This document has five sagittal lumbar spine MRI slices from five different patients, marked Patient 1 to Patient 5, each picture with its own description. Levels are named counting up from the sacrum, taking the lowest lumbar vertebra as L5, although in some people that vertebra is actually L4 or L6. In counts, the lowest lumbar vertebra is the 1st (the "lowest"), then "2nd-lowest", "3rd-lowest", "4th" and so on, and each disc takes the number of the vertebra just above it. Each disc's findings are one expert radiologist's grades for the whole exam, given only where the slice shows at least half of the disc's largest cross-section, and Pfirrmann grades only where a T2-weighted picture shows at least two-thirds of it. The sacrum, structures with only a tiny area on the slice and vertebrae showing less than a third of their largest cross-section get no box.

Patient 1 of 5:
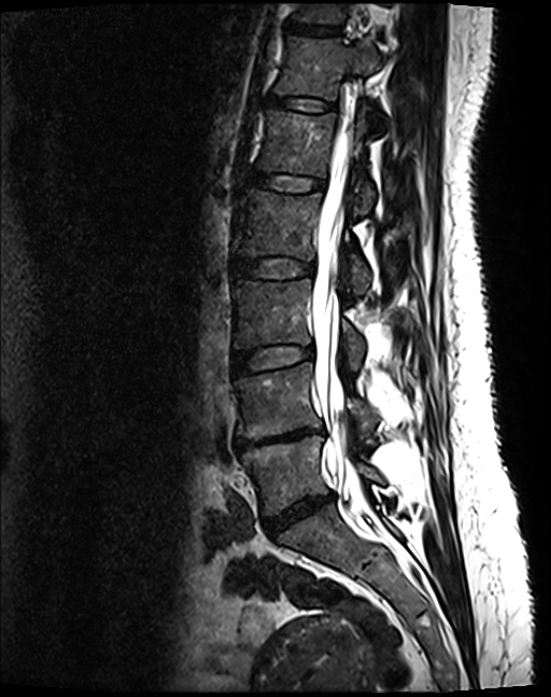
T2 SPACE (3D) sagittal MRI of the lumbar spine | 551x697 px

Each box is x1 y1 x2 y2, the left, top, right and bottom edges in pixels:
{"L5 vertebra": "241 435 380 516", "L2 vertebra": "236 189 369 294", "L4/L5": "235 428 323 449", "disc L5/S1": "264 493 334 534", "T11": "294 3 347 24", "L4": "235 364 375 439", "disc L2/L3": "233 258 313 278", "L1/L2": "249 173 323 190", "thecal sac / spinal canal": "313 121 359 488", "disc T11/T12": "286 23 339 34", "L3 vertebra": "233 280 364 370", "disc T12/L1": "267 96 333 110", "disc L3/L4": "233 346 313 373", "T12 vertebra": "274 36 383 126", "L1": "258 110 375 213"}

Per-level radiological findings:
  L3/L4: Pfirrmann grade 2
  L4/L5: Pfirrmann grade 5, disc bulging, lower-endplate change, Modic type II, disc narrowing, upper-endplate change
  L2/L3: Pfirrmann grade 2
  T12/L1: Pfirrmann grade 2
  L1/L2: Pfirrmann grade 2
  L5/S1: Pfirrmann grade 4, disc narrowing, disc bulging
  T11/T12: no herniation, bulging, narrowing, spondylolisthesis, endplate or Modic change recorded

Patient 2 of 5:
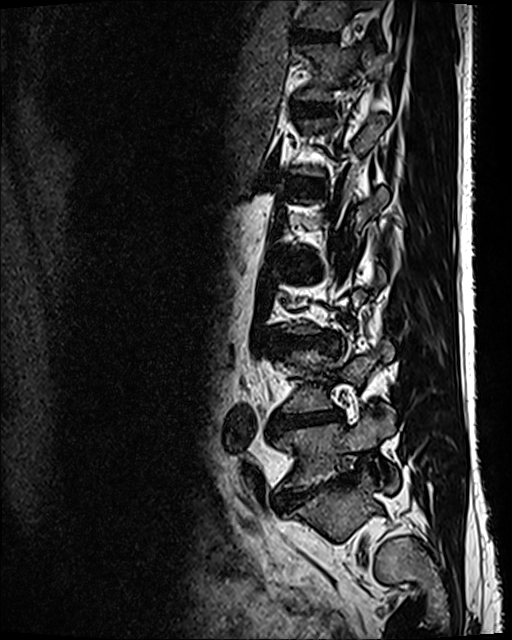

Sex M, MRI lumbar spine (T2 SPACE (3D)), sagittal plane, Slice 34/120

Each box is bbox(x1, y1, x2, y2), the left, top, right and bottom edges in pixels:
T12: bbox(297, 43, 388, 101)
T11 vertebra: bbox(298, 0, 386, 31)
T12/L1: bbox(300, 104, 330, 114)
L1/L2: bbox(294, 178, 306, 184)
intervertebral disc L5/S1: bbox(275, 479, 342, 507)
intervertebral disc L4/L5: bbox(277, 410, 343, 428)
intervertebral disc T11/T12: bbox(294, 29, 336, 42)
intervertebral disc L3/L4: bbox(280, 337, 320, 346)
L5: bbox(274, 413, 399, 491)
L4: bbox(283, 339, 393, 412)

Expert MSK radiologist gradings (per disc):
  L4/L5: disc bulging, Modic type II, disc narrowing, lower-endplate change
  T11/T12: no Modic or endplate change, herniation, narrowing, bulging or spondylolisthesis recorded

Patient 3 of 5:
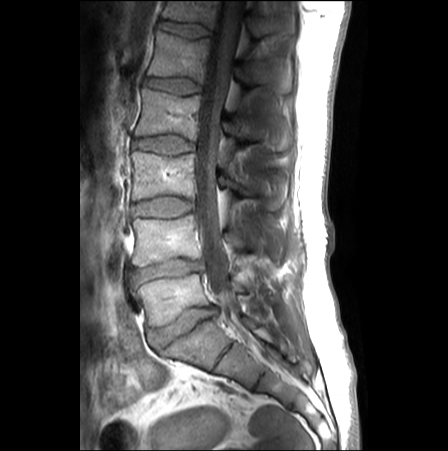

Field of view 280x282 mm, slice spacing 3.3 mm. Slice 13/27. Image 448x451. MRI lumbar spine (T1-weighted), sagittal plane.

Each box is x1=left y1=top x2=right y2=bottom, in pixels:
L5: x1=138 y1=274 x2=247 y2=326.
IVD L5/S1: x1=149 y1=306 x2=216 y2=347.
L2/L3: x1=133 y1=134 x2=193 y2=156.
IVD L1/L2: x1=145 y1=78 x2=200 y2=93.
L1: x1=148 y1=30 x2=292 y2=92.
L4 vertebra: x1=133 y1=214 x2=259 y2=266.
T12/L1: x1=163 y1=21 x2=209 y2=38.
L3: x1=131 y1=151 x2=283 y2=209.
L4/L5: x1=134 y1=259 x2=202 y2=281.
T12: x1=163 y1=1 x2=294 y2=37.
L2: x1=135 y1=89 x2=290 y2=150.
Spinal canal: x1=195 y1=1 x2=243 y2=327.
IVD L3/L4: x1=133 y1=195 x2=192 y2=217.

Per-level radiological findings:
- L4/L5: disc bulging, disc narrowing
- T12/L1: lower-endplate change
- L5/S1: disc narrowing, disc bulging
- L3/L4, L2/L3, L1/L2: no spondylolisthesis, narrowing, bulging, herniation, Modic or endplate change recorded

Patient 4 of 5:
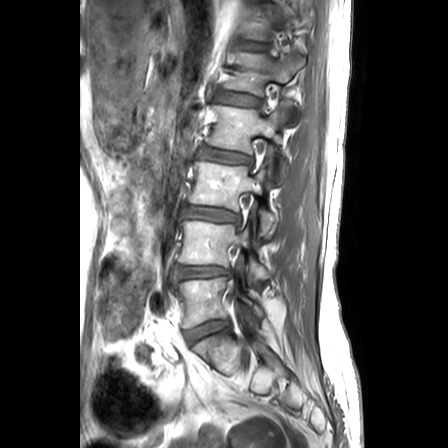 MRI lumbar spine (T1-weighted), sagittal plane | Patient sex: F

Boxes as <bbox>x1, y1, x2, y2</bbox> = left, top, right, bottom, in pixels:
3rd-lowest disc — <bbox>184, 207, 238, 222</bbox> | 4th vertebra — <bbox>207, 101, 292, 182</bbox> | 2nd-lowest disc — <bbox>172, 265, 232, 282</bbox> | 5th disc — <bbox>218, 93, 259, 106</bbox> | 5th vertebra — <bbox>226, 53, 305, 126</bbox> | 4th disc — <bbox>198, 149, 250, 163</bbox> | lowest vertebra — <bbox>175, 266, 264, 327</bbox> | 2nd-lowest vertebra — <bbox>179, 221, 269, 285</bbox> | 6th disc — <bbox>248, 44, 261, 49</bbox> | lowest disc — <bbox>185, 320, 229, 342</bbox> | 3rd-lowest vertebra — <bbox>190, 162, 275, 239</bbox>

Expert MSK radiologist gradings (per disc):
• 5th disc: Modic type II, lower-endplate change, upper-endplate change
• 3rd-lowest disc: lower-endplate change, disc bulging, upper-endplate change
• 4th disc: lower-endplate change, Modic type II, upper-endplate change, disc bulging
• 2nd-lowest disc: disc narrowing, disc herniation, upper-endplate change, lower-endplate change
• lowest disc: no spondylolisthesis, narrowing, bulging, herniation, Modic or endplate change recorded

Patient 5 of 5:
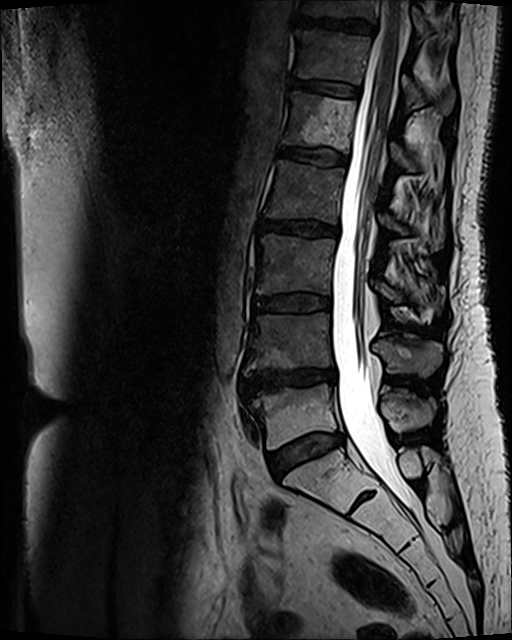
Sex F, Image 512x640, Slice 63 of 120, MRI lumbar spine (T2 SPACE (3D)), sagittal plane
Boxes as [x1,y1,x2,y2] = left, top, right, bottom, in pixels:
L2/L3 at [258,221,337,235], thecal sac / spinal canal at [331,0,411,504], T11 vertebra at [302,0,454,39], T12 at [296,31,454,113], L4/L5 at [240,368,335,394], L5 at [243,384,436,449], L1 vertebra at [283,92,416,171], intervertebral disc T11/T12 at [298,17,376,34], L4 at [243,313,442,376], L3 at [256,234,444,312], intervertebral disc L5/S1 at [268,434,344,477], intervertebral disc T12/L1 at [292,79,360,97], L2 at [265,160,442,251], intervertebral disc L1/L2 at [278,147,346,165], L3/L4 at [255,296,330,312].

Radiological gradings:
- T11/T12: Pfirrmann grade 4, lower-endplate change, Modic type II, upper-endplate change
- L5/S1: Pfirrmann grade 3, disc bulging, Modic type II
- L3/L4: Pfirrmann grade 3, Modic type II, disc bulging
- T12/L1: Pfirrmann grade 3, Modic type II
- L2/L3: Pfirrmann grade 3, disc bulging, Modic type II
- L4/L5: Pfirrmann grade 4, upper-endplate change, disc bulging, disc narrowing, Modic type II, lower-endplate change
- L1/L2: Pfirrmann grade 3, Modic type II